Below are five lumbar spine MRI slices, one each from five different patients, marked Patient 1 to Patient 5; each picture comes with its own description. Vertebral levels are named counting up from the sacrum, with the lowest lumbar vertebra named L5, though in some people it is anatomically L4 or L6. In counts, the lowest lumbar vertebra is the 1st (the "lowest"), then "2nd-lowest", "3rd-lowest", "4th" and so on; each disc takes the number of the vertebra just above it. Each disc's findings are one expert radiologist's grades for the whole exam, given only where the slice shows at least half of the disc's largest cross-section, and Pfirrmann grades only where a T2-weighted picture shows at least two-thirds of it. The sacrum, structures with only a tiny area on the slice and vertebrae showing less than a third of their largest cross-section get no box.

Patient 1 of 5:
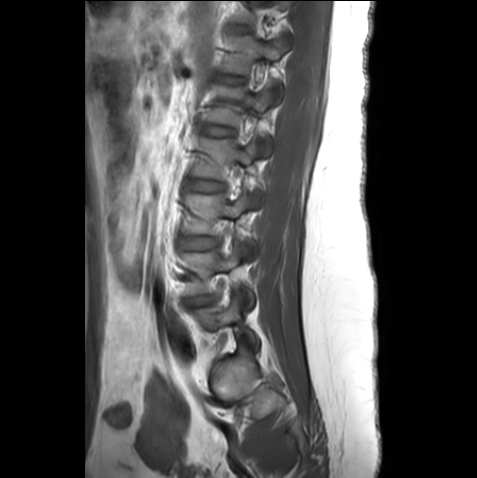
Lumbar spine MR, T1-weighted, sagittal; Patient sex: F; Image 477x478
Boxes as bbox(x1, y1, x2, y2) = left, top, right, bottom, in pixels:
Annotations:
• L2/L3: bbox(189, 180, 222, 191)
• L5: bbox(194, 294, 259, 347)
• L3/L4: bbox(181, 237, 217, 249)
• T12: bbox(220, 35, 287, 103)
• IVD L4/L5: bbox(186, 296, 213, 305)
• IVD T12/L1: bbox(217, 75, 242, 83)
• L1: bbox(207, 86, 272, 156)
• T11/T12: bbox(231, 26, 247, 32)
• IVD L1/L2: bbox(203, 125, 232, 135)
• L3: bbox(183, 193, 256, 258)
• L4 vertebra: bbox(183, 243, 253, 309)
• L2 vertebra: bbox(193, 138, 264, 206)

Radiological gradings:
• L1/L2, L3/L4, T12/L1, L2/L3: no herniation, bulging, narrowing, spondylolisthesis, endplate or Modic change recorded

Patient 2 of 5:
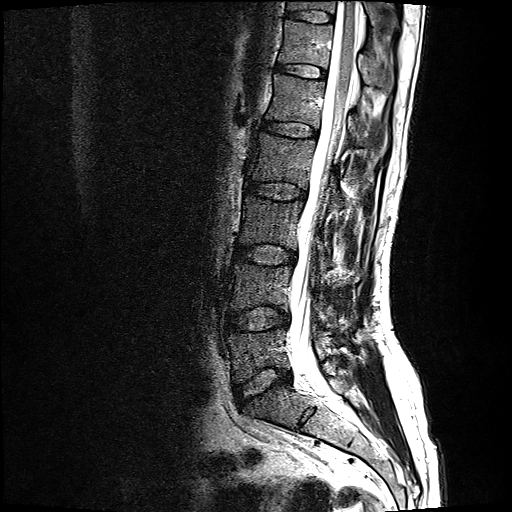 MRI lumbar spine (T2-weighted), sagittal plane.
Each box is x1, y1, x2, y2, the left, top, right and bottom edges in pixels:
2nd-lowest vertebra at 231, 262, 357, 319; 7th disc at 286, 10, 334, 21; 6th disc at 276, 64, 326, 77; 5th vertebra at 266, 73, 387, 151; 4th vertebra at 252, 131, 343, 206; spinal canal at 291, 0, 359, 396; 4th disc at 247, 181, 305, 198; 3rd-lowest disc at 236, 244, 296, 264; 7th vertebra at 287, 0, 398, 29; lowest vertebra at 227, 327, 325, 380; 6th vertebra at 277, 19, 393, 89; 2nd-lowest disc at 227, 305, 289, 329; 5th disc at 262, 120, 317, 136; lowest disc at 234, 366, 292, 403; 3rd-lowest vertebra at 240, 192, 332, 265.

Per-level radiological findings:
  lowest disc: Pfirrmann grade 2, disc bulging
  6th disc: Pfirrmann grade 2
  4th disc: Pfirrmann grade 2
  2nd-lowest disc: Pfirrmann grade 2, disc bulging
  5th disc: Pfirrmann grade 2
  3rd-lowest disc: Pfirrmann grade 2, disc bulging
  7th disc: Pfirrmann grade 2

Patient 3 of 5:
T1-weighted sagittal MRI of the lumbar spine 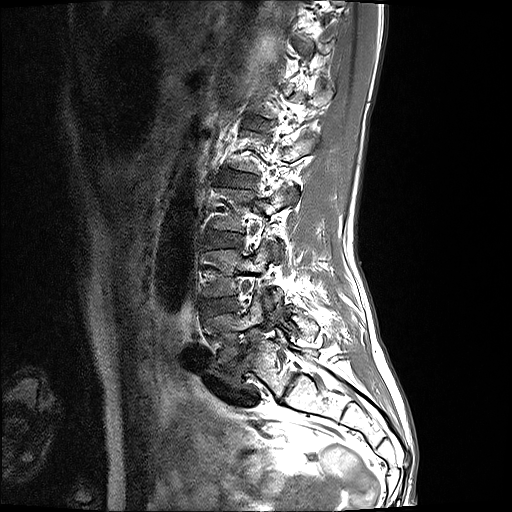 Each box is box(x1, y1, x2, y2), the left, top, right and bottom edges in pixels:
{"L5/S1": "box(218, 335, 259, 373)", "L5": "box(204, 289, 319, 366)", "L4": "box(203, 241, 282, 304)", "disc L4/L5": "box(200, 297, 237, 319)", "disc L2/L3": "box(220, 170, 255, 186)", "disc L1/L2": "box(248, 120, 266, 125)", "L3": "box(210, 188, 294, 257)", "L2 vertebra": "box(231, 130, 316, 200)", "disc L3/L4": "box(205, 230, 242, 248)"}

Degenerative findings by level:
• L3/L4, L4/L5, L2/L3: no herniation, bulging, narrowing, spondylolisthesis, endplate or Modic change recorded

Patient 4 of 5:
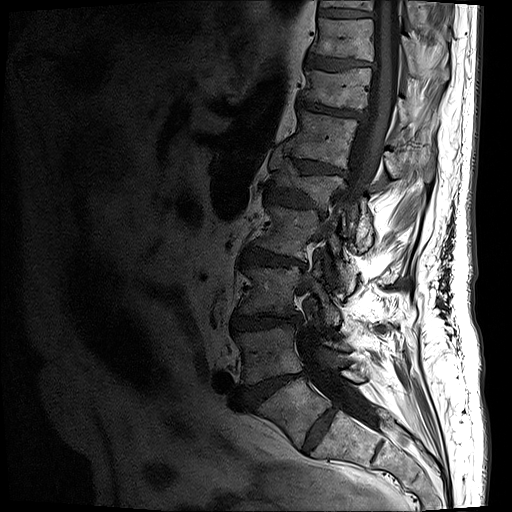 MRI lumbar spine (T1-weighted), sagittal plane | Slice 13 of 19 | Image 512x512
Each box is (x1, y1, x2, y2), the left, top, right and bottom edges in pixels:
L4 vertebra — (235, 324, 350, 385).
IVD T10/T11 — (306, 55, 370, 70).
L5 vertebra — (257, 369, 366, 447).
IVD T11/T12 — (298, 98, 360, 118).
L1/L2 — (265, 185, 322, 208).
IVD L4/L5 — (243, 372, 307, 408).
L1 vertebra — (270, 155, 372, 238).
IVD L2/L3 — (240, 249, 306, 269).
L2 vertebra — (255, 202, 353, 284).
Spinal canal — (296, 0, 407, 446).
L3 — (239, 263, 340, 325).
T9 — (320, 0, 451, 38).
IVD T12/L1 — (276, 143, 347, 174).
T12 — (286, 110, 433, 182).
T9/T10 — (319, 8, 372, 17).
T10 vertebra — (311, 18, 449, 83).
T11 vertebra — (302, 68, 436, 127).
L3/L4 — (232, 314, 299, 332).
IVD L5/S1 — (302, 409, 335, 452).

Degenerative findings by level:
• L4/L5: upper-endplate change, disc bulging, disc narrowing, Modic type II, lower-endplate change, disc herniation
• T10/T11: upper-endplate change, lower-endplate change, disc bulging
• T11/T12: disc bulging, disc narrowing, upper-endplate change, lower-endplate change
• L3/L4: disc narrowing, disc bulging, upper-endplate change, lower-endplate change
• T9/T10: lower-endplate change
• L1/L2: upper-endplate change, lower-endplate change, disc bulging, disc narrowing
• T12/L1: lower-endplate change, upper-endplate change, disc narrowing, disc bulging
• L2/L3: Modic type II, lower-endplate change, disc narrowing, upper-endplate change, disc bulging
• L5/S1: no spondylolisthesis, narrowing, bulging, herniation, Modic or endplate change recorded

Patient 5 of 5:
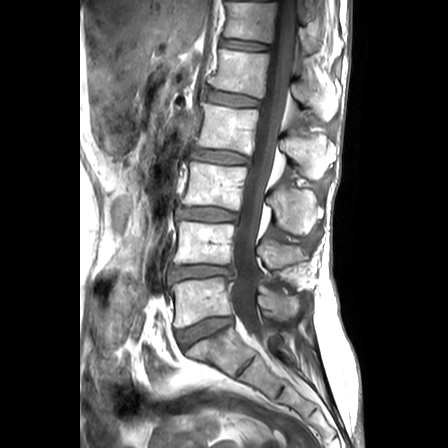 Sex F | Lumbar spine MR, T1-weighted, sagittal | 448x448 px

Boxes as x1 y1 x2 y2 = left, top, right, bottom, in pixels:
T12/L1: 222 39 267 50
L3 vertebra: 182 162 323 234
L4/L5: 169 264 237 282
disc L3/L4: 177 207 236 222
L4: 174 221 306 268
L5/S1: 176 317 232 348
L2 vertebra: 196 103 335 179
L5 vertebra: 171 277 299 327
spinal canal: 230 0 297 341
L1: 208 49 339 119
disc L2/L3: 191 148 249 163
L1/L2: 207 90 258 106
T12: 224 2 339 56

Degenerative findings by level:
• L3/L4: disc bulging, upper-endplate change, lower-endplate change
• T12/L1: Modic type II
• L1/L2: Modic type II, lower-endplate change, upper-endplate change
• L4/L5: upper-endplate change, lower-endplate change, disc narrowing, disc herniation
• L2/L3: disc bulging, upper-endplate change, lower-endplate change, Modic type II
• L5/S1: no spondylolisthesis, narrowing, bulging, herniation, Modic or endplate change recorded